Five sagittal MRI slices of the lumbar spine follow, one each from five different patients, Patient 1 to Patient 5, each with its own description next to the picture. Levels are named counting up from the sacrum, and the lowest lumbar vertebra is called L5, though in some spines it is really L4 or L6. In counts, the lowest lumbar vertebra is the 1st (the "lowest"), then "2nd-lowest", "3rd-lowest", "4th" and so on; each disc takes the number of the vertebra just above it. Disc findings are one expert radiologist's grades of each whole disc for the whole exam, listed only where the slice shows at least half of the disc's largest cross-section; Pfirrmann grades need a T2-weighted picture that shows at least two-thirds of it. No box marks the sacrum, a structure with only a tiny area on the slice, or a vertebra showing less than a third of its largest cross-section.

Patient 1 of 5:
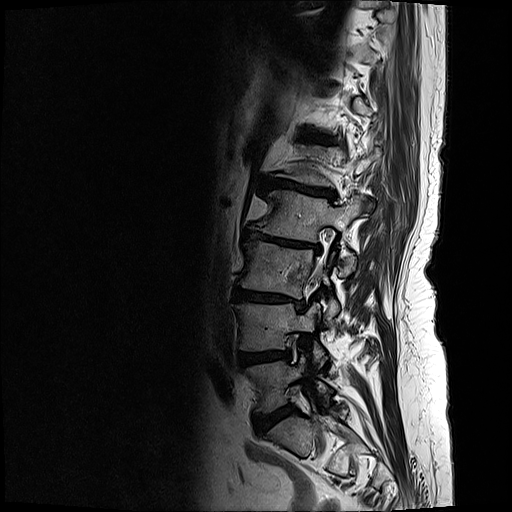 MRI lumbar spine (T2-weighted), sagittal plane | 512x512 px

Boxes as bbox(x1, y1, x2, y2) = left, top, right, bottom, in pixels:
L5 (lowest vertebra): bbox(249, 357, 329, 410)
L3 (3rd-lowest vertebra): bbox(239, 241, 338, 324)
T12/L1 (6th disc): bbox(304, 135, 333, 142)
L2 (4th vertebra): bbox(250, 191, 365, 274)
L2/L3 (4th disc): bbox(243, 230, 319, 251)
L4 (2nd-lowest vertebra): bbox(234, 304, 324, 360)
L1/L2 (5th disc): bbox(264, 179, 333, 198)
disc L5/S1 (lowest disc): bbox(255, 406, 293, 433)
disc L4/L5 (2nd-lowest disc): bbox(238, 350, 289, 365)
disc L3/L4 (3rd-lowest disc): bbox(233, 288, 304, 308)

Degenerative findings by level:
- L4/L5 (2nd-lowest disc): lower-endplate change, disc bulging, upper-endplate change
- L5/S1 (lowest disc): disc bulging
- L3/L4 (3rd-lowest disc): Pfirrmann grade 5, Modic type II, upper-endplate change, lower-endplate change, disc bulging, disc narrowing
- L2/L3 (4th disc): disc narrowing, lower-endplate change, Modic type II, upper-endplate change, disc bulging
- L1/L2 (5th disc): Pfirrmann grade 5, lower-endplate change, Modic type II, disc bulging, disc narrowing, upper-endplate change

Patient 2 of 5:
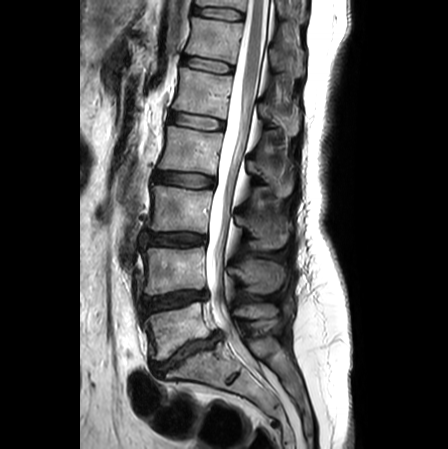 Field of view 280x280 mm, slice spacing 3.3 mm, Slice 13 of 24, MRI lumbar spine (T2-weighted), sagittal plane

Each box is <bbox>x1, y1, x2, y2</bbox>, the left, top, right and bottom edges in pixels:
Structures:
* T12 (6th vertebra) at <bbox>186, 17, 304, 76</bbox>
* disc L1/L2 (5th disc) at <bbox>170, 113, 223, 129</bbox>
* L3 (3rd-lowest vertebra) at <bbox>146, 184, 287, 248</bbox>
* L1 (5th vertebra) at <bbox>173, 68, 300, 135</bbox>
* disc T11/T12 (7th disc) at <bbox>193, 7, 242, 19</bbox>
* L5 (lowest vertebra) at <bbox>145, 302, 278, 360</bbox>
* L3/L4 (3rd-lowest disc) at <bbox>143, 233, 205, 246</bbox>
* L4/L5 (2nd-lowest disc) at <bbox>144, 291, 206, 314</bbox>
* thecal sac / spinal canal at <bbox>206, 0, 269, 355</bbox>
* disc L5/S1 (lowest disc) at <bbox>151, 331, 222, 376</bbox>
* L2 (4th vertebra) at <bbox>159, 126, 292, 196</bbox>
* L4 (2nd-lowest vertebra) at <bbox>143, 247, 284, 294</bbox>
* disc T12/L1 (6th disc) at <bbox>182, 55, 232, 72</bbox>
* T11 (7th vertebra) at <bbox>196, 0, 305, 22</bbox>
* disc L2/L3 (4th disc) at <bbox>154, 172, 214, 186</bbox>

Expert MSK radiologist gradings (per disc):
• L5/S1 (lowest disc): Pfirrmann grade 5, disc narrowing, upper-endplate change, Modic type II, disc herniation, lower-endplate change
• L3/L4 (3rd-lowest disc): Pfirrmann grade 3, disc bulging
• L4/L5 (2nd-lowest disc): Pfirrmann grade 4, disc bulging, disc narrowing
• T12/L1 (6th disc): Pfirrmann grade 1
• L1/L2 (5th disc): Pfirrmann grade 1
• T11/T12 (7th disc): Pfirrmann grade 1
• L2/L3 (4th disc): Pfirrmann grade 2, disc bulging

Patient 3 of 5:
Slice 13/25. Field of view 300x300 mm. T1-weighted sagittal MRI of the lumbar spine.

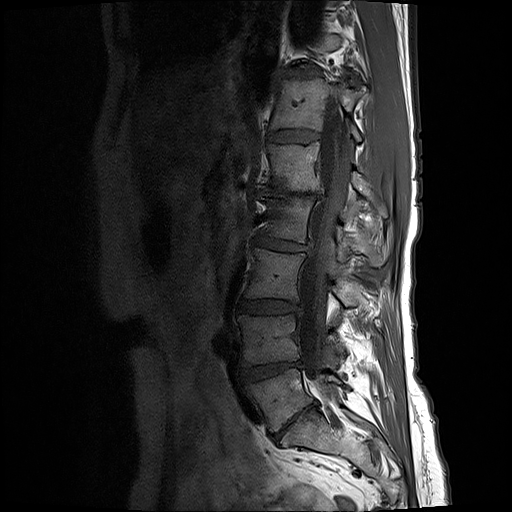
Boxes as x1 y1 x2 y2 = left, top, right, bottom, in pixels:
{"L5 vertebra": "244 367 341 431", "disc L1/L2": "262 190 323 200", "L1 vertebra": "258 143 389 218", "disc L2/L3": "256 231 309 250", "disc L4/L5": "240 362 301 381", "T12 vertebra": "270 79 361 142", "disc T12/L1": "266 130 317 144", "disc L5/S1": "273 403 313 438", "L4 vertebra": "238 314 345 366", "disc T11/T12": "277 67 325 79", "L3 vertebra": "246 249 362 307", "thecal sac / spinal canal": "298 103 346 393", "L3/L4": "239 299 300 314", "L2": "266 198 386 267"}

Per-level radiological findings:
- L3/L4: disc bulging
- T11/T12: disc narrowing, disc bulging
- L1/L2: lower-endplate change, upper-endplate change, Modic type II, disc bulging, disc narrowing
- L4/L5: Modic type II, disc narrowing, disc bulging
- L2/L3: disc bulging, disc narrowing
- T12/L1: no spondylolisthesis, narrowing, bulging, herniation, Modic or endplate change recorded

Patient 4 of 5:
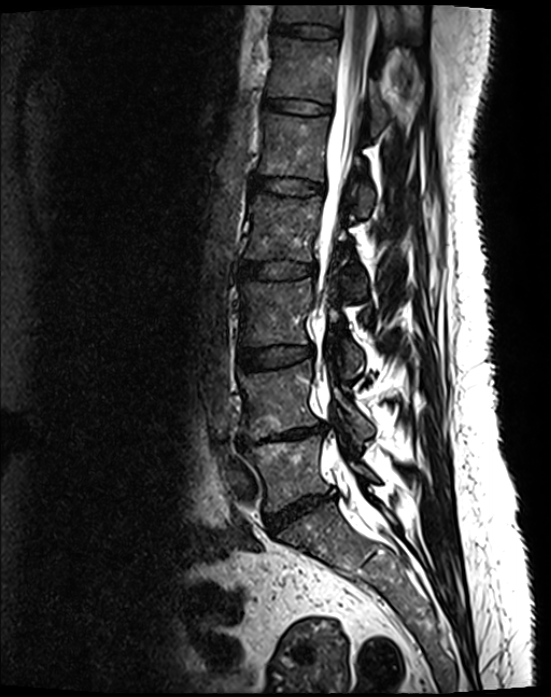
551x697 px. MRI lumbar spine (T2 SPACE (3D)), sagittal plane. Patient sex: F. Sagittal slice index 78.
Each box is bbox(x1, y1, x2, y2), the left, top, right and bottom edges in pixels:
Structures:
• T12: bbox(267, 36, 398, 136)
• L1/L2: bbox(252, 176, 323, 195)
• L3: bbox(239, 280, 362, 377)
• L4 vertebra: bbox(239, 361, 373, 438)
• L5/S1: bbox(265, 494, 335, 533)
• L3/L4: bbox(238, 346, 313, 370)
• L1: bbox(258, 112, 375, 217)
• thecal sac / spinal canal: bbox(313, 5, 374, 465)
• T12/L1: bbox(264, 98, 329, 114)
• T11 vertebra: bbox(276, 5, 424, 45)
• T11/T12: bbox(273, 23, 337, 37)
• disc L4/L5: bbox(238, 424, 324, 449)
• L2 vertebra: bbox(244, 194, 366, 298)
• L5: bbox(245, 435, 376, 512)
• L2/L3: bbox(239, 262, 314, 279)

Per-level radiological findings:
- L5/S1: Pfirrmann grade 4, disc narrowing, disc bulging
- L4/L5: Pfirrmann grade 5, upper-endplate change, disc narrowing, lower-endplate change, disc bulging, Modic type II
- T12/L1: Pfirrmann grade 2
- L1/L2: Pfirrmann grade 2
- L2/L3: Pfirrmann grade 2
- L3/L4: Pfirrmann grade 2
- T11/T12: Pfirrmann grade 2

Patient 5 of 5:
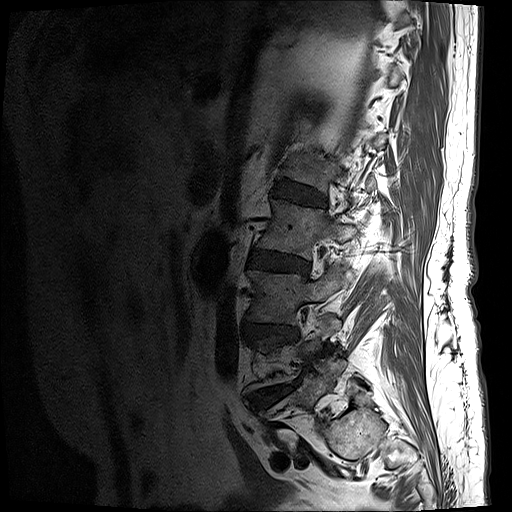 Sex M, MRI lumbar spine (T1-weighted), sagittal plane
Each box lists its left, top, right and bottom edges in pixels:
disc L1/L2 (5th disc): left=275, top=180, right=326, bottom=207
L3 (3rd-lowest vertebra): left=249, top=266, right=351, bottom=324
L2/L3 (4th disc): left=248, top=250, right=309, bottom=273
L2 (4th vertebra): left=257, top=200, right=357, bottom=259
L3/L4 (3rd-lowest disc): left=247, top=322, right=296, bottom=339
L4/L5 (2nd-lowest disc): left=252, top=380, right=298, bottom=407

Expert MSK radiologist gradings (per disc):
  L2/L3 (4th disc): disc narrowing, lower-endplate change, upper-endplate change, disc bulging, Modic type II
  L3/L4 (3rd-lowest disc): lower-endplate change, disc narrowing, disc bulging, upper-endplate change
  L1/L2 (5th disc): lower-endplate change, upper-endplate change, disc bulging, disc narrowing
  L4/L5 (2nd-lowest disc): upper-endplate change, Modic type II, disc herniation, lower-endplate change, disc narrowing, disc bulging